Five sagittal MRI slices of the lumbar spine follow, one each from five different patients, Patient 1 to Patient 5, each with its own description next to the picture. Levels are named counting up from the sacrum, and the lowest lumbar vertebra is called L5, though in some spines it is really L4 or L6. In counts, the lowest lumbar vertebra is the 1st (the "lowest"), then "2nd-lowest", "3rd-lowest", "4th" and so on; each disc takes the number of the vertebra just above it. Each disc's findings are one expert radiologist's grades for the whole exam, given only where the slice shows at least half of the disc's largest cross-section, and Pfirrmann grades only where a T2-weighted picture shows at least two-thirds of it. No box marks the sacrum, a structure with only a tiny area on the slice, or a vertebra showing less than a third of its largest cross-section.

Patient 1 of 5:
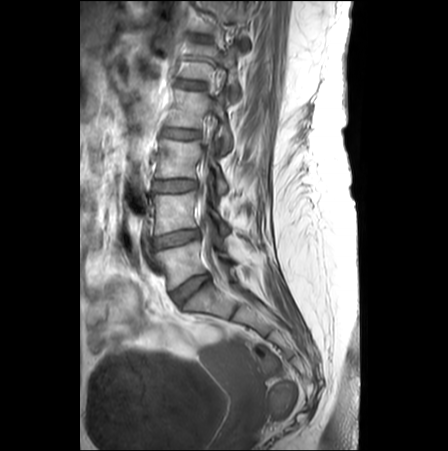 Patient sex: F; Slice 16/26; MRI lumbar spine (T1-weighted), sagittal plane

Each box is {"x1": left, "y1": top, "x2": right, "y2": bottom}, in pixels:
IVD L3/L4 at {"x1": 154, "y1": 180, "x2": 196, "y2": 191}, L2 at {"x1": 167, "y1": 90, "x2": 231, "y2": 152}, L4/L5 at {"x1": 153, "y1": 229, "x2": 199, "y2": 248}, T12 at {"x1": 196, "y1": 2, "x2": 248, "y2": 50}, IVD L2/L3 at {"x1": 164, "y1": 128, "x2": 199, "y2": 138}, spinal canal at {"x1": 202, "y1": 213, "x2": 207, "y2": 224}, L3 vertebra at {"x1": 156, "y1": 139, "x2": 228, "y2": 194}, IVD L1/L2 at {"x1": 179, "y1": 81, "x2": 202, "y2": 89}, L5 vertebra at {"x1": 155, "y1": 241, "x2": 230, "y2": 289}, L4 at {"x1": 152, "y1": 191, "x2": 230, "y2": 235}, L1 at {"x1": 183, "y1": 45, "x2": 239, "y2": 100}, IVD L5/S1 at {"x1": 172, "y1": 274, "x2": 209, "y2": 304}.

Expert MSK radiologist gradings (per disc):
• L4/L5: disc narrowing
• L3/L4, L2/L3, L5/S1: no spondylolisthesis, narrowing, bulging, herniation, Modic or endplate change recorded

Patient 2 of 5:
Slice spacing 3.3 mm. Scanner: Philips Healthcare Ingenia (3T). Sagittal T1-weighted lumbar spine MRI.

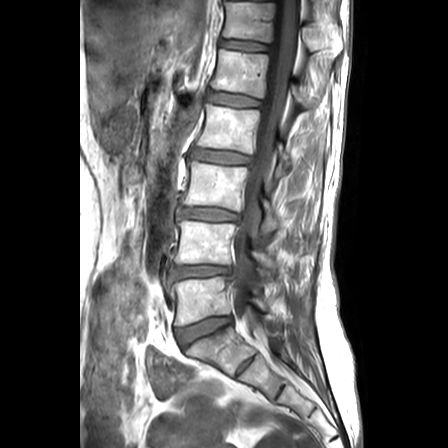

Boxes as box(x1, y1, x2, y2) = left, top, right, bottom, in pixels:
{"IVD L3/L4": "box(178, 207, 239, 221)", "L5/S1": "box(177, 316, 231, 347)", "T12 vertebra": "box(222, 2, 342, 58)", "L5": "box(172, 277, 273, 325)", "L4/L5": "box(170, 265, 236, 281)", "L4 vertebra": "box(175, 221, 298, 273)", "IVD L1/L2": "box(208, 92, 260, 106)", "L2": "box(196, 105, 295, 182)", "L3 vertebra": "box(181, 162, 301, 233)", "T12/L1": "box(220, 40, 267, 50)", "IVD L2/L3": "box(190, 149, 250, 163)", "L1": "box(211, 49, 308, 106)", "spinal canal": "box(234, 0, 298, 316)"}

Expert MSK radiologist gradings (per disc):
• L3/L4: disc bulging, upper-endplate change, lower-endplate change
• T12/L1: Modic type II
• L1/L2: upper-endplate change, Modic type II, lower-endplate change
• L2/L3: Modic type II, disc bulging, upper-endplate change, lower-endplate change
• L4/L5: disc narrowing, upper-endplate change, lower-endplate change, disc herniation
• L5/S1: no Modic or endplate change, herniation, narrowing, bulging or spondylolisthesis recorded

Patient 3 of 5:
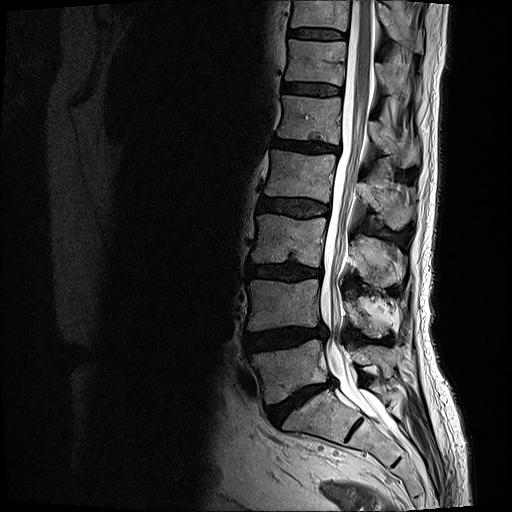
Sagittal T2-weighted lumbar spine MRI, 512x512 px, Slice 10/19
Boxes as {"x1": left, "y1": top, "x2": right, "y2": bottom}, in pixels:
T11/T12: {"x1": 290, "y1": 30, "x2": 346, "y2": 38} | L2/L3: {"x1": 258, "y1": 196, "x2": 329, "y2": 218} | L4: {"x1": 248, "y1": 279, "x2": 388, "y2": 338} | L1/L2: {"x1": 272, "y1": 139, "x2": 339, "y2": 152} | intervertebral disc L4/L5: {"x1": 244, "y1": 326, "x2": 326, "y2": 354} | intervertebral disc L3/L4: {"x1": 247, "y1": 263, "x2": 323, "y2": 281} | T12 vertebra: {"x1": 285, "y1": 39, "x2": 419, "y2": 95} | T12/L1: {"x1": 283, "y1": 84, "x2": 341, "y2": 96} | L2: {"x1": 264, "y1": 149, "x2": 416, "y2": 228} | L5 vertebra: {"x1": 252, "y1": 340, "x2": 399, "y2": 404} | L5/S1: {"x1": 267, "y1": 379, "x2": 336, "y2": 426} | T11: {"x1": 292, "y1": 0, "x2": 423, "y2": 52} | L3: {"x1": 252, "y1": 213, "x2": 403, "y2": 286} | L1: {"x1": 278, "y1": 94, "x2": 420, "y2": 167} | spinal canal: {"x1": 320, "y1": 0, "x2": 384, "y2": 420}

Radiological gradings:
- L4/L5: Pfirrmann grade 4, disc bulging, disc herniation
- T11/T12: Pfirrmann grade 3
- T12/L1: Pfirrmann grade 3
- L5/S1: Pfirrmann grade 5, lower-endplate change, disc bulging, disc narrowing, Modic type II
- L2/L3: Pfirrmann grade 3, disc bulging
- L3/L4: Pfirrmann grade 4, Modic type II, disc bulging, lower-endplate change, disc narrowing
- L1/L2: Pfirrmann grade 4, Modic type II, disc bulging, disc narrowing, lower-endplate change, upper-endplate change

Patient 4 of 5:
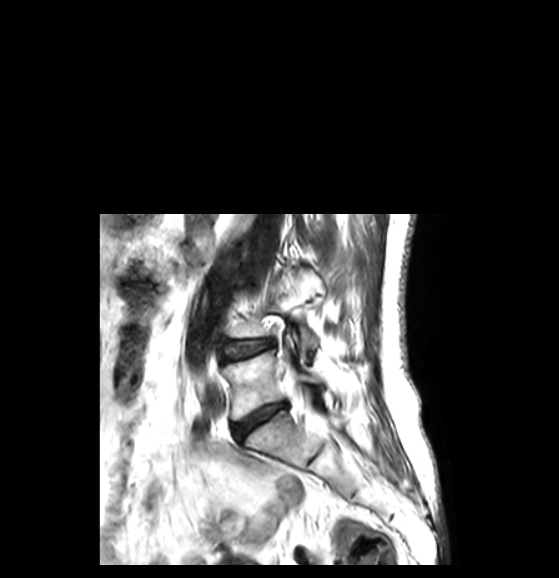 MRI lumbar spine (T2-weighted), sagittal plane
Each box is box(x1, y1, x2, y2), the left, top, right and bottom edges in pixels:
Lowest disc — box(233, 403, 285, 436).
Lowest vertebra — box(223, 351, 321, 420).
2nd-lowest disc — box(225, 341, 270, 359).
Thecal sac / spinal canal — box(301, 402, 324, 429).
2nd-lowest vertebra — box(232, 272, 317, 350).

Per-level radiological findings:
- 2nd-lowest disc: Pfirrmann grade 3, disc bulging
- lowest disc: Pfirrmann grade 3, disc bulging, disc narrowing

Patient 5 of 5:
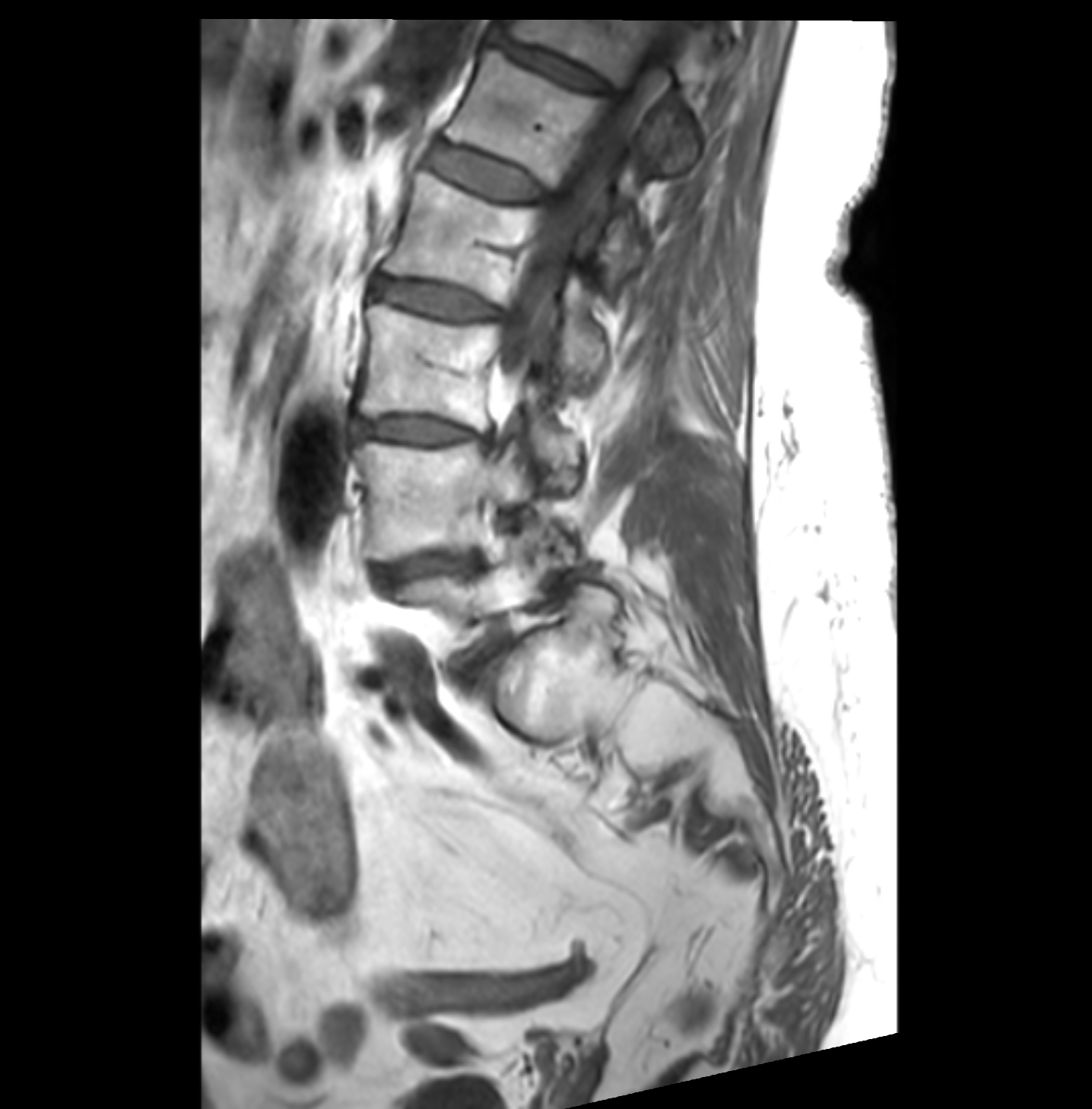

Slice 25 of 36; Patient sex: F; MRI lumbar spine (T1-weighted), sagittal plane; Image 1092x1109
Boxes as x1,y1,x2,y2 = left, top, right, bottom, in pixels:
- L3 (3rd-lowest vertebra) = 356,302,581,494
- L5 (lowest vertebra) = 389,528,548,624
- L4 (2nd-lowest vertebra) = 354,442,575,559
- L4/L5 (2nd-lowest disc) = 374,556,473,582
- L2/L3 (4th disc) = 374,277,508,321
- T12 (6th vertebra) = 500,17,697,173
- L5/S1 (lowest disc) = 464,648,494,683
- intervertebral disc T12/L1 (6th disc) = 498,40,609,93
- thecal sac / spinal canal = 500,48,660,373
- intervertebral disc L1/L2 (5th disc) = 429,142,544,200
- L2 (4th vertebra) = 383,173,609,383
- intervertebral disc L3/L4 (3rd-lowest disc) = 356,416,490,445
- L1 (5th vertebra) = 446,49,644,279

Radiological gradings:
- L1/L2 (5th disc): Modic type II
- L2/L3 (4th disc): disc bulging, Modic type II
- T12/L1 (6th disc): disc bulging
- L3/L4 (3rd-lowest disc): disc narrowing, disc bulging, Modic type II